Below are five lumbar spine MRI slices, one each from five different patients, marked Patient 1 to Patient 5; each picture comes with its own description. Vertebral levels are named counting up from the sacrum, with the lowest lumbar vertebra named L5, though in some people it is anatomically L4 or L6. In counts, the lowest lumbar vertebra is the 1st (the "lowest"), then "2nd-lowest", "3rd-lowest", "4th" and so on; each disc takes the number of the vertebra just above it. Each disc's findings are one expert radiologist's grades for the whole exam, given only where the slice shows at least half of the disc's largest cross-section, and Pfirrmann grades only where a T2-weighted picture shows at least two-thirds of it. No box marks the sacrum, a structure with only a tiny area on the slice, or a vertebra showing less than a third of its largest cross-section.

Patient 1 of 5:
Patient sex: F | MRI lumbar spine (T1-weighted), sagittal plane

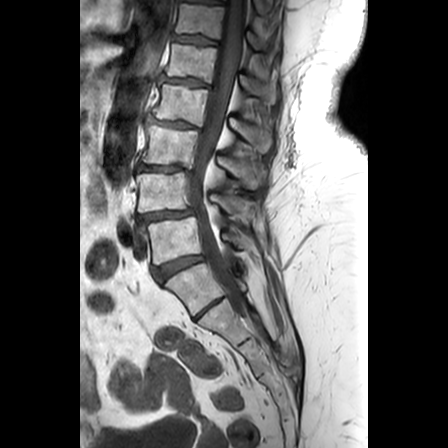

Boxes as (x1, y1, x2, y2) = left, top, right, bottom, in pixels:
{"intervertebral disc L1/L2 (5th disc)": "(159, 74, 210, 87)", "L5 (lowest vertebra)": "(147, 214, 251, 263)", "intervertebral disc T12/L1 (6th disc)": "(172, 33, 217, 43)", "intervertebral disc L4/L5 (2nd-lowest disc)": "(137, 207, 193, 222)", "L2 (4th vertebra)": "(152, 81, 272, 149)", "thecal sac / spinal canal": "(189, 0, 245, 308)", "L3 (3rd-lowest vertebra)": "(142, 124, 266, 186)", "T12 (6th vertebra)": "(175, 2, 262, 47)", "L2/L3 (4th disc)": "(146, 114, 202, 129)", "L1 (5th vertebra)": "(165, 41, 276, 101)", "L4 (2nd-lowest vertebra)": "(136, 170, 260, 221)", "intervertebral disc L3/L4 (3rd-lowest disc)": "(138, 162, 192, 172)", "intervertebral disc L5/S1 (lowest disc)": "(152, 253, 204, 278)"}

Radiological gradings:
- L2/L3 (4th disc): Modic type II, disc narrowing, upper-endplate change, disc bulging, lower-endplate change
- L5/S1 (lowest disc): disc bulging
- L4/L5 (2nd-lowest disc): spondylolisthesis, disc narrowing, disc bulging
- L1/L2 (5th disc): Modic type II, disc bulging, lower-endplate change, disc narrowing, upper-endplate change
- L3/L4 (3rd-lowest disc): disc bulging, lower-endplate change, disc narrowing, Modic type II, upper-endplate change
- T12/L1 (6th disc): lower-endplate change, upper-endplate change, Modic type II

Patient 2 of 5:
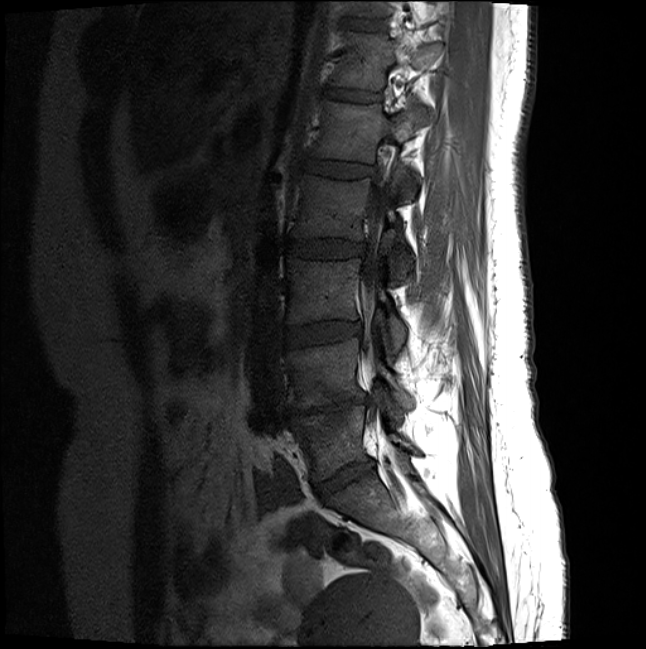 Sex F, MRI lumbar spine (T1-weighted), sagittal plane, Slice 8/20, 646x649 px
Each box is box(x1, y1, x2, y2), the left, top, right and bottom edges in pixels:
IVD L5/S1: box(315, 460, 374, 497).
IVD L2/L3: box(288, 238, 362, 257).
L4/L5: box(289, 397, 367, 416).
L1 vertebra: box(313, 101, 432, 197).
IVD T11/T12: box(353, 20, 381, 29).
IVD L1/L2: box(303, 158, 372, 176).
T12 vertebra: box(335, 32, 434, 90).
L3: box(288, 259, 406, 352).
IVD L3/L4: box(286, 321, 360, 344).
Spinal canal: box(363, 180, 387, 371).
L5 vertebra: box(291, 406, 415, 480).
L2 vertebra: box(291, 175, 413, 277).
T12/L1: box(328, 88, 380, 100).
L4 vertebra: box(288, 337, 414, 410).

Expert MSK radiologist gradings (per disc):
• L4/L5: upper-endplate change, disc bulging, lower-endplate change, disc narrowing, Modic type II
• L5/S1: disc bulging, disc narrowing
• T12/L1, L3/L4, L1/L2, L2/L3: no herniation, bulging, narrowing, spondylolisthesis, endplate or Modic change recorded

Patient 3 of 5:
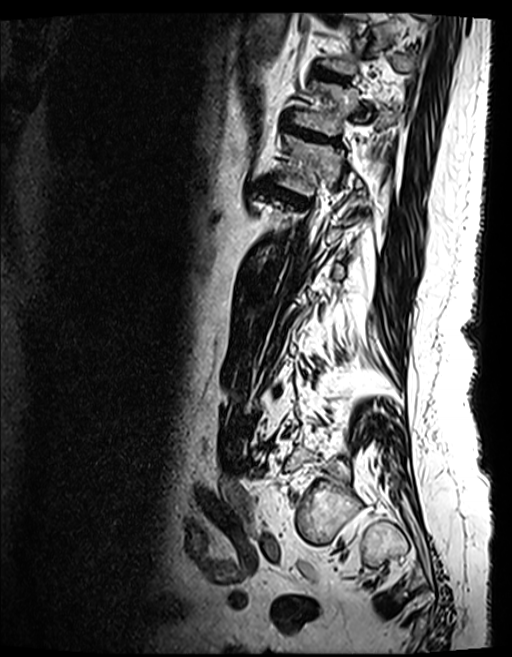 Sagittal T2 SPACE (3D) lumbar spine MRI; Sagittal slice index 41; Slice spacing 0.9 mm; Image 512x657
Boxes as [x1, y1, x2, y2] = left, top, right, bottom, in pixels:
Segmented structures:
* disc T10/T11: [321, 70, 344, 81]
* T11: [296, 84, 395, 135]
* disc T11/T12: [290, 126, 334, 142]

Per-level radiological findings:
- T11/T12: Pfirrmann grade 5, upper-endplate change, disc bulging, disc narrowing, lower-endplate change, Modic type II

Patient 4 of 5:
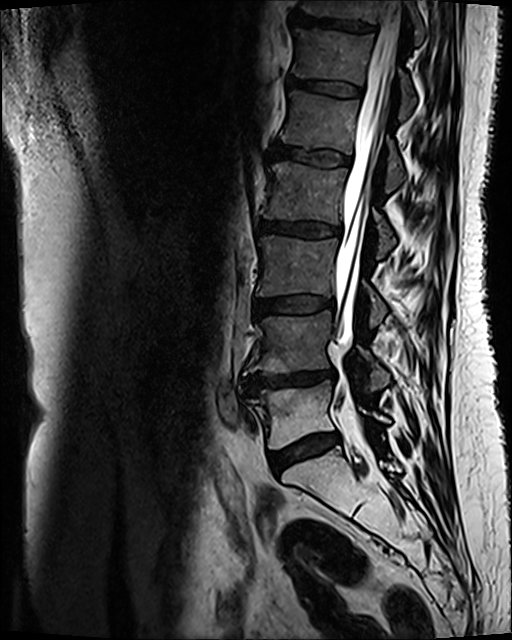 Patient sex: F, Field of view 240x300 mm, Slice 75 of 120, MRI lumbar spine (T2 SPACE (3D)), sagittal plane, 512x640 px

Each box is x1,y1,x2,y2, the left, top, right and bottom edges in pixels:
L4 (2nd-lowest vertebra) — 244,311,389,391 | T12 (6th vertebra) — 293,28,415,119 | IVD T11/T12 (7th disc) — 292,14,373,30 | IVD L1/L2 (5th disc) — 271,144,348,166 | T11 (7th vertebra) — 302,0,424,44 | IVD T12/L1 (6th disc) — 287,78,361,96 | IVD L2/L3 (4th disc) — 258,222,341,236 | L1 (5th vertebra) — 281,91,403,192 | L3 (3rd-lowest vertebra) — 256,235,385,325 | L4/L5 (2nd-lowest disc) — 242,369,333,393 | spinal canal — 333,1,403,345 | L5/S1 (lowest disc) — 270,433,340,474 | L2 (4th vertebra) — 265,162,395,258 | L5 (lowest vertebra) — 251,381,389,449 | IVD L3/L4 (3rd-lowest disc) — 254,297,333,313

Per-level radiological findings:
- L3/L4 (3rd-lowest disc): Pfirrmann grade 3, disc bulging, Modic type II
- L4/L5 (2nd-lowest disc): Pfirrmann grade 4, disc bulging, lower-endplate change, upper-endplate change, disc narrowing, Modic type II
- L2/L3 (4th disc): Pfirrmann grade 3, Modic type II, disc bulging
- T11/T12 (7th disc): Pfirrmann grade 4, upper-endplate change, Modic type II, lower-endplate change
- L1/L2 (5th disc): Pfirrmann grade 3, Modic type II
- T12/L1 (6th disc): Pfirrmann grade 3, Modic type II
- L5/S1 (lowest disc): Pfirrmann grade 3, disc bulging, Modic type II

Patient 5 of 5:
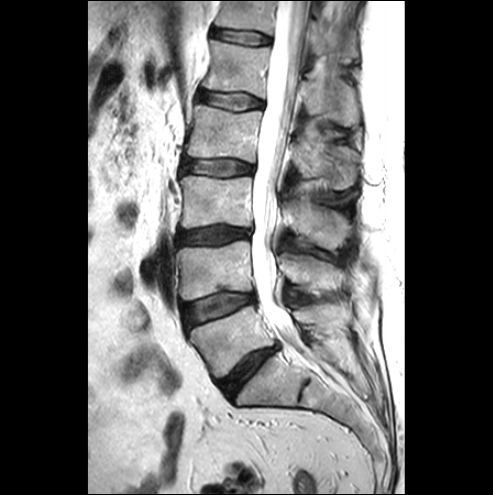 Lumbar spine MR, T2-weighted, sagittal | Sex M
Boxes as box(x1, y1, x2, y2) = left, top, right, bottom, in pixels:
L2/L3 = box(184, 160, 253, 176).
Spinal canal = box(252, 1, 307, 353).
Disc L3/L4 = box(178, 226, 249, 244).
T12 = box(216, 1, 358, 61).
L2 = box(186, 105, 358, 189).
Disc T12/L1 = box(212, 28, 271, 44).
L1/L2 = box(198, 90, 262, 109).
L3 = box(180, 176, 351, 249).
L5 vertebra = box(190, 306, 342, 377).
Disc L4/L5 = box(185, 293, 254, 326).
L1 vertebra = box(203, 40, 359, 126).
L4 = box(177, 241, 343, 299).
Disc L5/S1 = box(218, 347, 276, 397).

Radiological gradings:
  T12/L1: Pfirrmann grade 1
  L5/S1: Pfirrmann grade 4, disc bulging, disc narrowing
  L2/L3: Pfirrmann grade 1
  L3/L4: Pfirrmann grade 3, disc bulging
  L1/L2: Pfirrmann grade 1
  L4/L5: Pfirrmann grade 1, disc bulging, Modic type III